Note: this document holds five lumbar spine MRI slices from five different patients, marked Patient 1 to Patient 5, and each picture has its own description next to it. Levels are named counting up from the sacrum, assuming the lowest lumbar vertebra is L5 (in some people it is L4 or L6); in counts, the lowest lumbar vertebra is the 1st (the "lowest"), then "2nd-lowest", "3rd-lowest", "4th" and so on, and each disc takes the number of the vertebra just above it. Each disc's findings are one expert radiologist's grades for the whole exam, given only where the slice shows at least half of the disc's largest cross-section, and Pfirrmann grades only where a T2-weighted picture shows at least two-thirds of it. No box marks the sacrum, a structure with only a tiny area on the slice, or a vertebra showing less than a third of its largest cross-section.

Patient 1 of 5:
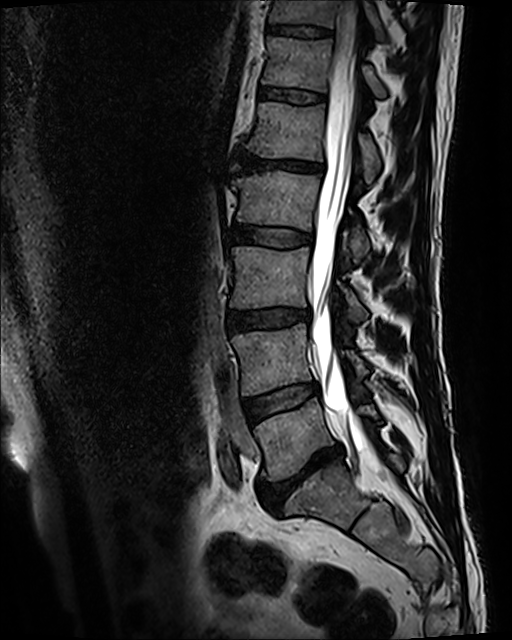

MRI lumbar spine (T2 SPACE (3D)), sagittal plane

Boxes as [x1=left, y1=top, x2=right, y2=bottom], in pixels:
Segmented structures:
• intervertebral disc L3/L4: [x1=228, y1=308, x2=311, y2=331]
• L4: [x1=232, y1=322, x2=366, y2=395]
• intervertebral disc L5/S1: [x1=258, y1=443, x2=343, y2=510]
• L4/L5: [x1=243, y1=382, x2=318, y2=421]
• T11: [x1=269, y1=0, x2=381, y2=36]
• T11/T12: [x1=268, y1=25, x2=331, y2=36]
• T12/L1: [x1=259, y1=86, x2=325, y2=102]
• L5: [x1=254, y1=398, x2=378, y2=481]
• intervertebral disc L1/L2: [x1=238, y1=151, x2=323, y2=172]
• L2 vertebra: [x1=231, y1=170, x2=368, y2=263]
• T12 vertebra: [x1=262, y1=37, x2=385, y2=97]
• L1 vertebra: [x1=245, y1=101, x2=379, y2=184]
• spinal canal: [x1=309, y1=0, x2=374, y2=454]
• L2/L3: [x1=229, y1=223, x2=313, y2=246]
• L3: [x1=229, y1=246, x2=365, y2=321]

Per-level radiological findings:
  L3/L4: Pfirrmann grade 3, upper-endplate change, disc bulging, lower-endplate change
  L4/L5: Pfirrmann grade 3, Modic type II
  T11/T12: Pfirrmann grade 3, upper-endplate change, lower-endplate change
  L5/S1: Pfirrmann grade 5, Modic type II, disc bulging, disc narrowing, upper-endplate change, lower-endplate change
  T12/L1: Pfirrmann grade 3
  L1/L2: Pfirrmann grade 5, disc narrowing, upper-endplate change, disc bulging, lower-endplate change, Modic type II
  L2/L3: Pfirrmann grade 3

Patient 2 of 5:
Image 512x512. Sagittal T2-weighted lumbar spine MRI. 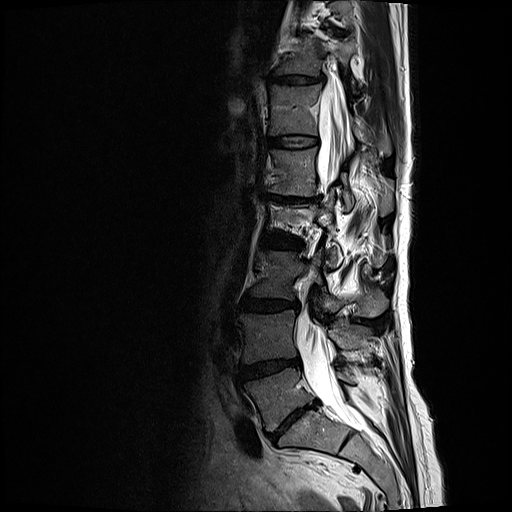

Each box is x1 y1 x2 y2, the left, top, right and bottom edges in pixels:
Disc L2/L3: 262 235 300 249.
L4: 239 310 372 364.
L1/L2: 265 194 320 203.
Thecal sac / spinal canal: 296 84 365 430.
Disc T11/T12: 267 72 327 86.
T11 vertebra: 277 35 356 81.
Disc L5/S1: 270 403 314 440.
L1 vertebra: 263 147 393 215.
Disc T12/L1: 267 134 317 149.
L5 vertebra: 245 368 354 431.
Disc L3/L4: 241 297 297 311.
T12: 268 85 391 154.
L3 vertebra: 250 251 388 318.
L4/L5: 240 360 299 379.

Degenerative findings by level:
- T11/T12: Pfirrmann grade 3, disc narrowing, disc bulging
- L3/L4: disc bulging
- L5/S1: Modic type II, disc narrowing, lower-endplate change, disc bulging, upper-endplate change
- T12/L1: Pfirrmann grade 2
- L4/L5: Pfirrmann grade 4, Modic type II, disc bulging, disc narrowing
- L1/L2: Pfirrmann grade 5, lower-endplate change, Modic type II, disc narrowing, disc bulging, upper-endplate change

Patient 3 of 5:
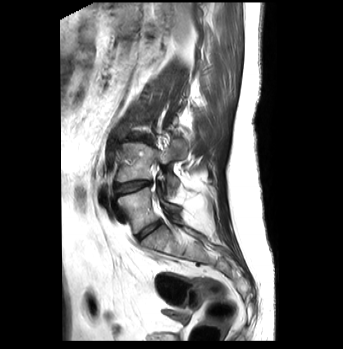
Sagittal T2-weighted lumbar spine MRI, Field of view 285x291 mm, slice spacing 3.2 mm
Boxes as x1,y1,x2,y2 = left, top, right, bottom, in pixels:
L5/S1: 137,219,161,240 | L4 vertebra: 116,138,186,195 | L3/L4: 129,137,151,143 | L4/L5: 114,181,151,196 | L5: 118,187,180,233

Per-level radiological findings:
  L4/L5: Pfirrmann grade 4, Modic type II, lower-endplate change, disc bulging, disc narrowing
  L5/S1: no herniation, bulging, narrowing, spondylolisthesis, endplate or Modic change recorded

Patient 4 of 5:
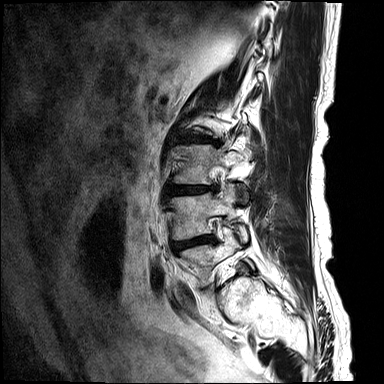

Sagittal T2-weighted lumbar spine MRI. Patient sex: M.

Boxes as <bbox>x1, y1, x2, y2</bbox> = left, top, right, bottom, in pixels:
Segmented structures:
* 4th disc = <bbox>191, 136, 208, 141</bbox>
* lowest vertebra = <bbox>178, 226, 253, 286</bbox>
* 3rd-lowest vertebra = <bbox>173, 144, 247, 201</bbox>
* 2nd-lowest disc = <bbox>173, 235, 214, 251</bbox>
* 3rd-lowest disc = <bbox>169, 186, 219, 195</bbox>
* 2nd-lowest vertebra = <bbox>172, 184, 248, 242</bbox>

Radiological gradings:
  2nd-lowest disc: Pfirrmann grade 4, disc bulging, Modic type I, upper-endplate change, lower-endplate change, disc narrowing
  3rd-lowest disc: Pfirrmann grade 4, lower-endplate change, disc herniation, Modic type II, upper-endplate change, disc bulging, disc narrowing

Patient 5 of 5:
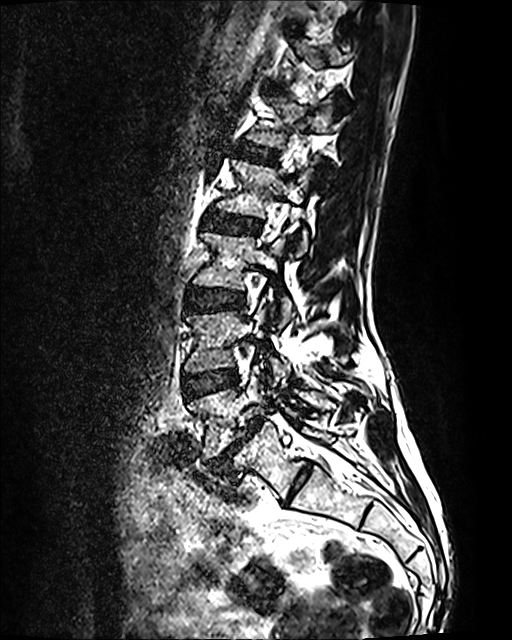
Lumbar spine MR, T2 SPACE (3D), sagittal, Slice 76/120, Patient sex: F, Slice spacing 0.9 mm

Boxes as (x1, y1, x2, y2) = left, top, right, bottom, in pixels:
{"L2 (4th vertebra)": "(215, 159, 311, 255)", "L1 (5th vertebra)": "(247, 96, 332, 184)", "L3/L4 (3rd-lowest disc)": "(185, 288, 244, 310)", "L5 (lowest vertebra)": "(187, 366, 334, 459)", "L1/L2 (5th disc)": "(235, 145, 279, 162)", "L2/L3 (4th disc)": "(205, 212, 261, 233)", "L3 (3rd-lowest vertebra)": "(193, 232, 292, 326)", "intervertebral disc L4/L5 (2nd-lowest disc)": "(182, 369, 238, 398)", "intervertebral disc L5/S1 (lowest disc)": "(207, 417, 264, 472)", "T12 (6th vertebra)": "(279, 37, 347, 82)", "intervertebral disc T12/L1 (6th disc)": "(266, 83, 286, 92)", "L4 (2nd-lowest vertebra)": "(185, 308, 290, 385)"}

Expert MSK radiologist gradings (per disc):
  L3/L4 (3rd-lowest disc): Pfirrmann grade 2
  L4/L5 (2nd-lowest disc): Pfirrmann grade 2
  L2/L3 (4th disc): Pfirrmann grade 2
  L5/S1 (lowest disc): Pfirrmann grade 5, disc narrowing, spondylolisthesis, disc bulging, Modic type II
  L1/L2 (5th disc): no spondylolisthesis, narrowing, bulging, herniation, Modic or endplate change recorded